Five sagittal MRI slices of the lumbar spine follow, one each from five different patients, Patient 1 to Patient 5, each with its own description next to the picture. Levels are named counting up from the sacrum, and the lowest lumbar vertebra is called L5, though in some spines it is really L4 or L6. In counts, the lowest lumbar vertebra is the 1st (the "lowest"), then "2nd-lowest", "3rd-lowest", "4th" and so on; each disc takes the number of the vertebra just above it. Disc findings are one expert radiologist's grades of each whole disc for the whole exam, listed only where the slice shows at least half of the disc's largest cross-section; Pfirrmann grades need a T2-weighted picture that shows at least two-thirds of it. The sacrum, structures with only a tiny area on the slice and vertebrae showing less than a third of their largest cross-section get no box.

Patient 1 of 5:
Scanner: Philips Healthcare Ingenia (3T) | Sagittal T1-weighted lumbar spine MRI
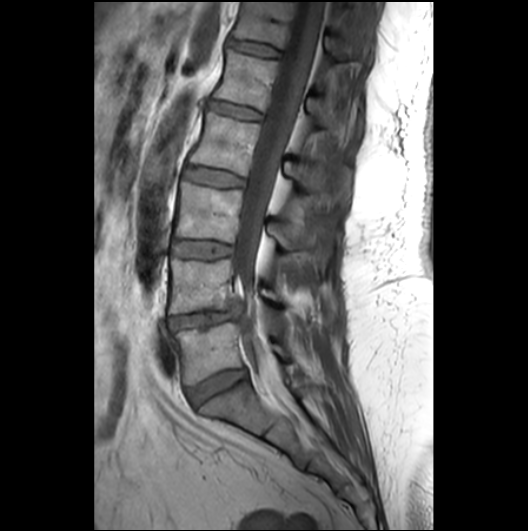
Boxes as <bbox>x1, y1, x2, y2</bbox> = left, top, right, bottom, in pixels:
L3 vertebra at <bbox>175, 182, 329, 263</bbox>.
L2 vertebra at <bbox>190, 111, 339, 197</bbox>.
L4 at <bbox>170, 259, 284, 313</bbox>.
Intervertebral disc L1/L2 at <bbox>207, 100, 263, 119</bbox>.
T12/L1 at <bbox>228, 39, 279, 56</bbox>.
L1 vertebra at <bbox>213, 48, 355, 133</bbox>.
T12 at <bbox>232, 1, 366, 59</bbox>.
Thecal sac / spinal canal at <bbox>234, 2, 324, 396</bbox>.
L2/L3 at <bbox>184, 166, 244, 187</bbox>.
L4/L5 at <bbox>168, 311, 233, 329</bbox>.
L5/S1 at <bbox>187, 368, 246, 406</bbox>.
Intervertebral disc L3/L4 at <bbox>174, 239, 233, 258</bbox>.
L5 vertebra at <bbox>175, 322, 290, 384</bbox>.

Per-level radiological findings:
  L4/L5: disc herniation, disc narrowing
  T12/L1, L2/L3, L1/L2, L5/S1, L3/L4: no Modic or endplate change, herniation, narrowing, bulging or spondylolisthesis recorded

Patient 2 of 5:
Sex M, Slice 78/120, Sagittal T2 SPACE (3D) lumbar spine MRI
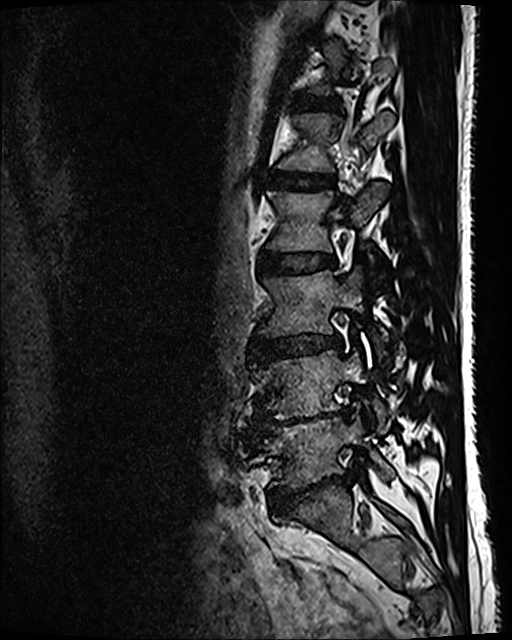 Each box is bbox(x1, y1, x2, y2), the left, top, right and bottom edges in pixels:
2nd-lowest vertebra = bbox(254, 351, 385, 433) | 3rd-lowest disc = bbox(253, 335, 341, 361) | 6th disc = bbox(297, 97, 331, 110) | 3rd-lowest vertebra = bbox(258, 271, 378, 345) | lowest vertebra = bbox(264, 418, 393, 488) | lowest disc = bbox(271, 474, 348, 511) | 4th vertebra = bbox(267, 183, 385, 252) | 5th disc = bbox(271, 171, 335, 190) | 2nd-lowest disc = bbox(263, 411, 346, 427) | 4th disc = bbox(259, 252, 335, 274) | 5th vertebra = bbox(278, 111, 393, 171)

Radiological gradings:
• lowest disc: Pfirrmann grade 5, spondylolisthesis, disc bulging, disc narrowing, lower-endplate change
• 4th disc: Pfirrmann grade 2
• 5th disc: Pfirrmann grade 2
• 3rd-lowest disc: Pfirrmann grade 3, disc bulging, disc narrowing

Patient 3 of 5:
Field of view 260x262 mm. Slice 9/17. Patient sex: M. T2-weighted sagittal MRI of the lumbar spine. 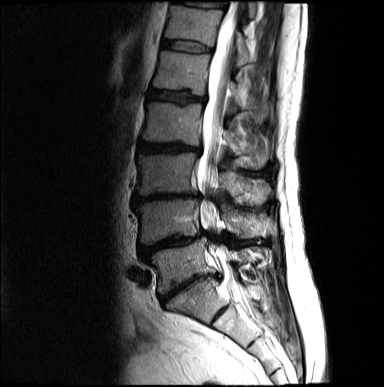

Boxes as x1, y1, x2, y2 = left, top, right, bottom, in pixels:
intervertebral disc L5/S1 (lowest disc) — 160, 273, 214, 303 | intervertebral disc L1/L2 (5th disc) — 148, 89, 205, 102 | T12/L1 (6th disc) — 162, 40, 210, 51 | T11/T12 (7th disc) — 180, 1, 223, 9 | L3/L4 (3rd-lowest disc) — 132, 194, 199, 204 | L3 (3rd-lowest vertebra) — 136, 152, 270, 206 | thecal sac / spinal canal — 196, 1, 248, 301 | L2/L3 (4th disc) — 138, 141, 199, 153 | L4 (2nd-lowest vertebra) — 134, 198, 260, 245 | L5 (lowest vertebra) — 147, 238, 247, 294 | T12 (6th vertebra) — 165, 6, 250, 66 | intervertebral disc L4/L5 (2nd-lowest disc) — 139, 232, 208, 259 | L1 (5th vertebra) — 153, 51, 246, 108 | L2 (4th vertebra) — 142, 102, 266, 169

Per-level radiological findings:
  L5/S1 (lowest disc): Pfirrmann grade 5, upper-endplate change, lower-endplate change, disc narrowing, disc bulging
  L4/L5 (2nd-lowest disc): Pfirrmann grade 4, lower-endplate change, disc bulging, upper-endplate change, disc narrowing
  L2/L3 (4th disc): Pfirrmann grade 4, disc narrowing, upper-endplate change, lower-endplate change, disc bulging
  T11/T12 (7th disc): Pfirrmann grade 2
  L1/L2 (5th disc): Pfirrmann grade 3, disc bulging, lower-endplate change, upper-endplate change
  L3/L4 (3rd-lowest disc): disc narrowing, lower-endplate change, disc bulging, upper-endplate change
  T12/L1 (6th disc): Pfirrmann grade 2

Patient 4 of 5:
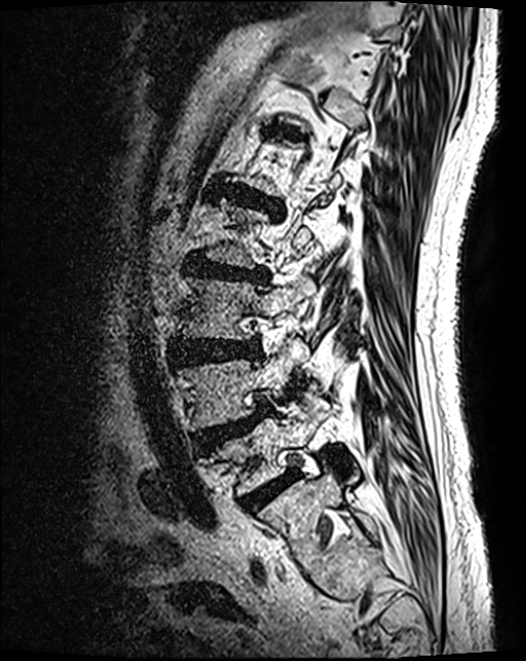 T2 SPACE (3D) sagittal MRI of the lumbar spine. Sex M.
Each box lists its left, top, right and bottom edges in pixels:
L3 — left=176, top=278, right=308, bottom=341 | disc L4/L5 — left=195, top=408, right=268, bottom=451 | L5 — left=213, top=407, right=324, bottom=495 | L5/S1 — left=241, top=472, right=297, bottom=511 | disc L1/L2 — left=226, top=187, right=282, bottom=213 | L3/L4 — left=173, top=341, right=258, bottom=364 | disc L2/L3 — left=187, top=258, right=266, bottom=284 | L4 — left=180, top=355, right=294, bottom=431

Per-level radiological findings:
• L2/L3: Pfirrmann grade 4, upper-endplate change, disc bulging, lower-endplate change, disc narrowing
• L1/L2: disc bulging, lower-endplate change, upper-endplate change
• L4/L5: disc herniation, upper-endplate change, spondylolisthesis
• L3/L4: Pfirrmann grade 4, disc bulging
• L5/S1: no Modic or endplate change, herniation, narrowing, bulging or spondylolisthesis recorded

Patient 5 of 5:
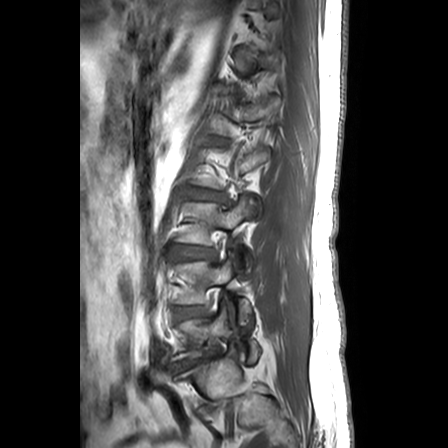 Lumbar spine MR, T1-weighted, sagittal
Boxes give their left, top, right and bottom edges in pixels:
• L3/L4 (3rd-lowest disc) = left=177, top=246, right=212, bottom=259
• IVD L5/S1 (lowest disc) = left=170, top=348, right=218, bottom=374
• IVD L2/L3 (4th disc) = left=192, top=190, right=223, bottom=201
• L3 (3rd-lowest vertebra) = left=180, top=196, right=255, bottom=270
• IVD L4/L5 (2nd-lowest disc) = left=175, top=307, right=200, bottom=319
• L5 (lowest vertebra) = left=174, top=305, right=258, bottom=365
• L4 (2nd-lowest vertebra) = left=177, top=259, right=250, bottom=324

Radiological gradings:
• L5/S1 (lowest disc): disc herniation, upper-endplate change, lower-endplate change, Modic type II, disc narrowing, disc bulging, spondylolisthesis
• L3/L4 (3rd-lowest disc): disc bulging